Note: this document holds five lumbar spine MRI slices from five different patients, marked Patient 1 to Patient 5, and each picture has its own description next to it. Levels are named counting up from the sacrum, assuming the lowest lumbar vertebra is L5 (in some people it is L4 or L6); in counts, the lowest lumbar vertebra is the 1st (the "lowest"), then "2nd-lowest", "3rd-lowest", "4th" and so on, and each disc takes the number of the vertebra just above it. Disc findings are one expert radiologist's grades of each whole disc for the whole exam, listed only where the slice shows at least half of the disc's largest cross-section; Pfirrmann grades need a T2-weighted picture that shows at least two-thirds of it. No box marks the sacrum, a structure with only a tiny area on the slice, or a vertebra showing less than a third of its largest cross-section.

Patient 1 of 5:
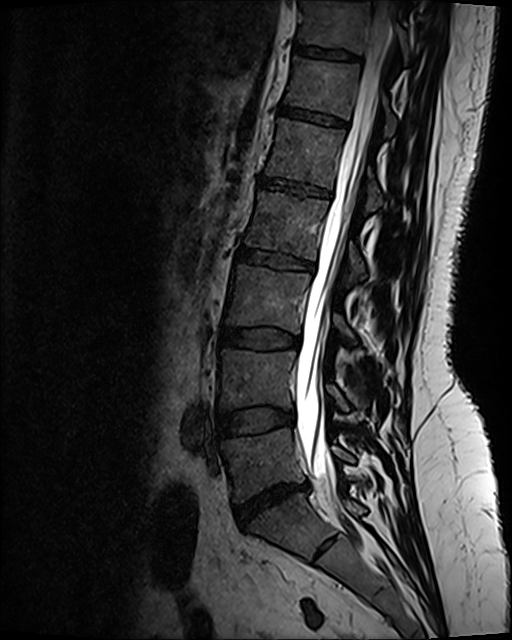 512x640 px. T2 SPACE (3D) sagittal MRI of the lumbar spine. Slice 66/120.
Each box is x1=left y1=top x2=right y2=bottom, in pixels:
L3 vertebra: x1=227 y1=266 x2=353 y2=340.
T11: x1=299 y1=3 x2=408 y2=58.
L5 vertebra: x1=222 y1=428 x2=353 y2=501.
L4 vertebra: x1=221 y1=350 x2=348 y2=411.
L2: x1=245 y1=193 x2=365 y2=284.
L3/L4: x1=221 y1=329 x2=294 y2=348.
L4/L5: x1=218 y1=408 x2=292 y2=438.
T12: x1=286 y1=59 x2=395 y2=136.
L1 vertebra: x1=266 y1=120 x2=382 y2=211.
Disc T11/T12: x1=294 y1=47 x2=357 y2=61.
L5/S1: x1=235 y1=486 x2=306 y2=527.
Thecal sac / spinal canal: x1=297 y1=1 x2=392 y2=480.
T12/L1: x1=279 y1=106 x2=346 y2=129.
Disc L1/L2: x1=261 y1=179 x2=330 y2=198.
Disc L2/L3: x1=237 y1=249 x2=314 y2=271.

Expert MSK radiologist gradings (per disc):
  T11/T12: Pfirrmann grade 2
  L2/L3: Pfirrmann grade 4, upper-endplate change, disc bulging, lower-endplate change
  L3/L4: Pfirrmann grade 2, disc bulging
  L1/L2: Pfirrmann grade 2, upper-endplate change, lower-endplate change
  T12/L1: Pfirrmann grade 2, lower-endplate change, upper-endplate change
  L5/S1: Pfirrmann grade 1, disc herniation, disc narrowing, disc bulging
  L4/L5: Pfirrmann grade 2, disc bulging

Patient 2 of 5:
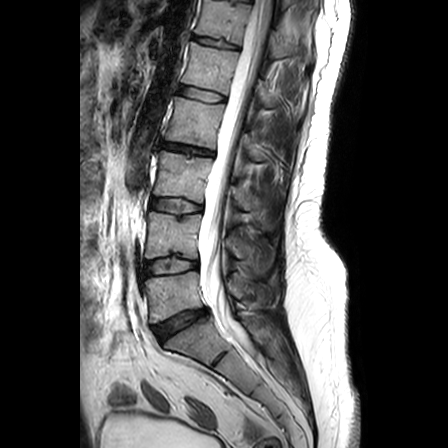 Sagittal T2-weighted lumbar spine MRI
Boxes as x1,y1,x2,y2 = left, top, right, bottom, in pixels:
3rd-lowest vertebra: 154,151,270,228.
Lowest vertebra: 144,271,266,322.
4th vertebra: 165,97,280,160.
2nd-lowest vertebra: 145,212,269,272.
5th disc: 178,85,225,101.
4th disc: 162,142,213,155.
6th vertebra: 195,0,311,60.
3rd-lowest disc: 151,198,201,213.
6th disc: 193,35,238,48.
5th vertebra: 182,42,303,118.
Spinal canal: 200,0,271,344.
Lowest disc: 153,309,206,340.
2nd-lowest disc: 145,258,197,274.

Radiological gradings:
- 3rd-lowest disc: Pfirrmann grade 2, upper-endplate change
- 5th disc: Pfirrmann grade 1
- 4th disc: Pfirrmann grade 4, disc bulging, disc narrowing, upper-endplate change, lower-endplate change
- lowest disc: Pfirrmann grade 3, disc herniation
- 2nd-lowest disc: Pfirrmann grade 2, lower-endplate change
- 6th disc: Pfirrmann grade 2, lower-endplate change, upper-endplate change

Patient 3 of 5:
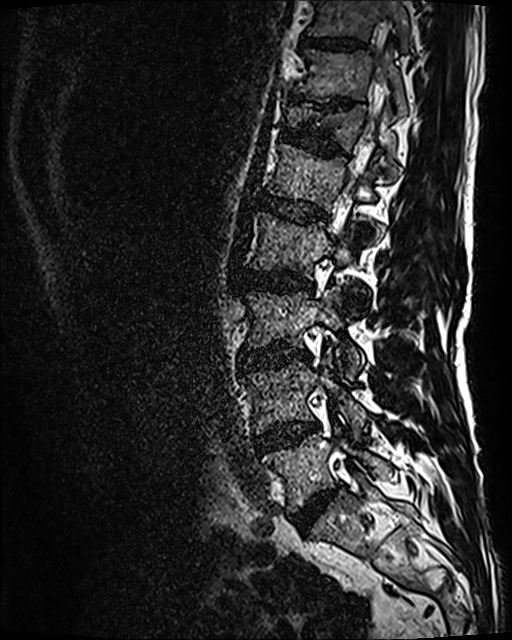

Image 512x640 | Lumbar spine MR, T2 SPACE (3D), sagittal | Slice spacing 0.9 mm
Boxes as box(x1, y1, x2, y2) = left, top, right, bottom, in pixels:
{"L4/L5": "box(255, 423, 318, 453)", "T10/T11": "box(303, 37, 362, 49)", "thecal sac / spinal canal": "box(332, 75, 382, 243)", "T11/T12": "box(327, 98, 352, 107)", "T12": "box(290, 105, 395, 179)", "disc L3/L4": "box(239, 347, 309, 368)", "L1 vertebra": "box(269, 144, 374, 211)", "L2": "box(252, 213, 353, 277)", "L5/S1": "box(291, 488, 336, 532)", "L4": "box(243, 353, 367, 434)", "T11 vertebra": "box(294, 49, 407, 117)", "L5": "box(264, 425, 391, 511)", "L3 vertebra": "box(246, 287, 363, 379)", "disc T12/L1": "box(280, 125, 346, 155)", "T10": "box(308, 0, 409, 48)", "L1/L2": "box(259, 195, 326, 222)", "disc L2/L3": "box(241, 269, 313, 289)"}

Per-level radiological findings:
- T10/T11: Pfirrmann grade 3
- L2/L3: Pfirrmann grade 3, Modic type II, disc bulging
- T12/L1: Pfirrmann grade 3, lower-endplate change, upper-endplate change
- L1/L2: Pfirrmann grade 3
- L5/S1: disc bulging, disc narrowing
- L3/L4: Pfirrmann grade 4, disc narrowing, disc bulging, Modic type II
- L4/L5: Pfirrmann grade 3, Modic type II, disc bulging

Patient 4 of 5:
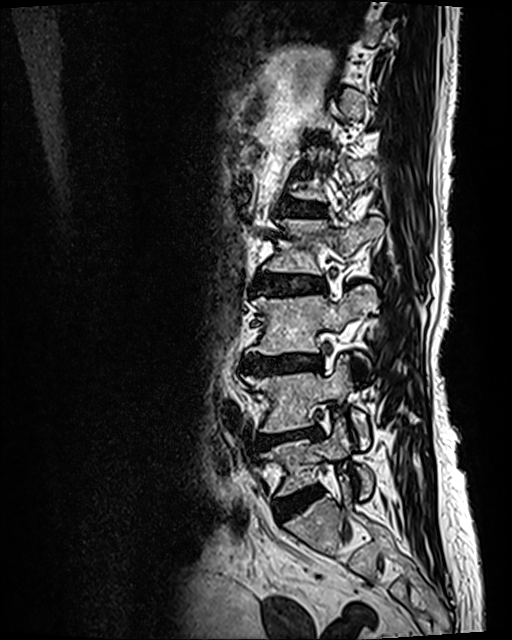

Field of view 240x300 mm, slice spacing 0.9 mm | Slice 40/120 | T2 SPACE (3D) sagittal MRI of the lumbar spine | Patient sex: F
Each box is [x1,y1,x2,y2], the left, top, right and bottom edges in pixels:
{"IVD L2/L3": "[260,272,324,293]", "L2 vertebra": "[263,217,383,274]", "L5/S1": "[275,488,319,520]", "L3": "[253,286,379,374]", "IVD L1/L2": "[285,201,323,217]", "IVD L3/L4": "[243,354,321,374]", "L5": "[261,418,373,497]", "L4/L5": "[252,428,321,448]", "L4": "[243,357,368,449]"}

Radiological gradings:
• L3/L4: Pfirrmann grade 4, lower-endplate change, upper-endplate change, Modic type II, disc bulging, disc narrowing
• L2/L3: Pfirrmann grade 3, lower-endplate change, disc bulging, upper-endplate change, Modic type II

Patient 5 of 5:
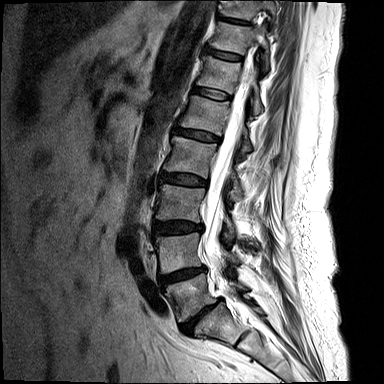
Slice 10/15. T2-weighted sagittal MRI of the lumbar spine.

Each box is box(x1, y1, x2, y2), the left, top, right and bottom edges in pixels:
Annotations:
* intervertebral disc T11/T12 at box(204, 48, 241, 61)
* L3 at box(155, 184, 235, 236)
* L4 vertebra at box(155, 232, 238, 273)
* L2 at box(163, 136, 243, 198)
* T11 at box(210, 21, 269, 67)
* L4/L5 at box(159, 266, 205, 286)
* T10 at box(221, 0, 276, 24)
* intervertebral disc L3/L4 at box(153, 221, 202, 234)
* T12 vertebra at box(196, 55, 262, 114)
* T12/L1 at box(192, 86, 230, 99)
* L1 at box(180, 95, 251, 151)
* L5/S1 at box(180, 298, 222, 333)
* L5 vertebra at box(165, 273, 246, 321)
* intervertebral disc L2/L3 at box(160, 173, 207, 186)
* spinal canal at box(203, 60, 252, 288)
* intervertebral disc L1/L2 at box(174, 128, 219, 142)
* intervertebral disc T10/T11 at box(216, 14, 249, 25)

Degenerative findings by level:
• L4/L5: Pfirrmann grade 4, Modic type II, disc bulging, lower-endplate change, upper-endplate change, disc narrowing
• L5/S1: Pfirrmann grade 5, Modic type II, upper-endplate change, disc narrowing, lower-endplate change, disc bulging
• L2/L3: Pfirrmann grade 3, disc bulging
• L1/L2: Pfirrmann grade 3, disc bulging
• T12/L1: Pfirrmann grade 2, Modic type II
• T11/T12: Pfirrmann grade 2, Modic type II, upper-endplate change
• T10/T11: Pfirrmann grade 5, lower-endplate change, Modic type II, disc narrowing
• L3/L4: Pfirrmann grade 3, disc bulging